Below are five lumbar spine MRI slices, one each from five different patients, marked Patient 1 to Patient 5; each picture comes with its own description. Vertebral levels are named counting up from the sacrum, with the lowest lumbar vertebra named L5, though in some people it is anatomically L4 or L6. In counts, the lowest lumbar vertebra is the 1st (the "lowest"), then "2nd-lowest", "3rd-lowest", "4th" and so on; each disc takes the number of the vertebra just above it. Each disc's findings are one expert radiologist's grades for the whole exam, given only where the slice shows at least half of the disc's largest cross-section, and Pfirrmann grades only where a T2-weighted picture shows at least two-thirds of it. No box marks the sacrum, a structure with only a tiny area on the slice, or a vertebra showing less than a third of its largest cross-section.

Patient 1 of 5:
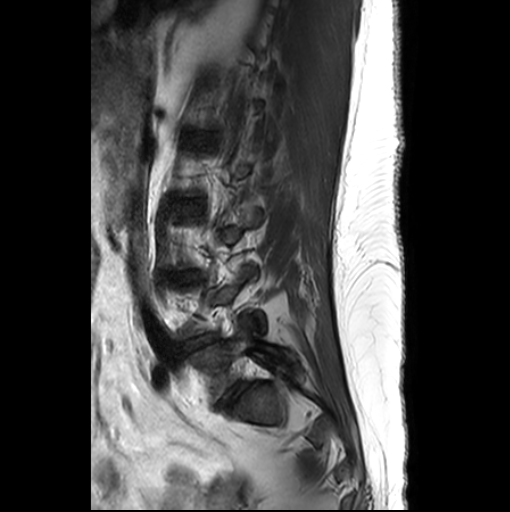 Sex F; T2-weighted sagittal MRI of the lumbar spine
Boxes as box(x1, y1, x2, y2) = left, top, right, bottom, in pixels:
Intervertebral disc L4/L5 at box(189, 334, 215, 348); L5/S1 at box(217, 382, 249, 407); L5 vertebra at box(191, 329, 294, 401).

Patient 2 of 5:
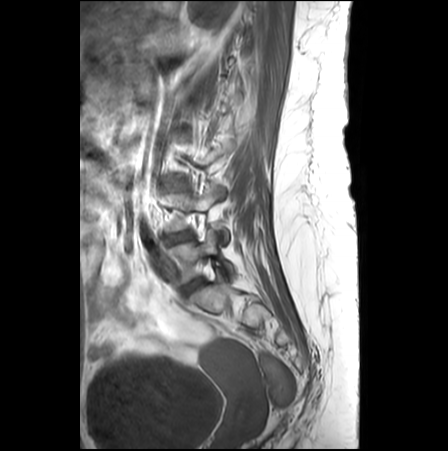
Sex F, Sagittal T1-weighted lumbar spine MRI
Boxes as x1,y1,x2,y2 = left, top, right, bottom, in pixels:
lowest vertebra: 170,229,234,283
2nd-lowest disc: 166,230,191,243
2nd-lowest vertebra: 166,183,228,243
3rd-lowest disc: 166,184,185,189
lowest disc: 182,278,201,295

Patient 3 of 5:
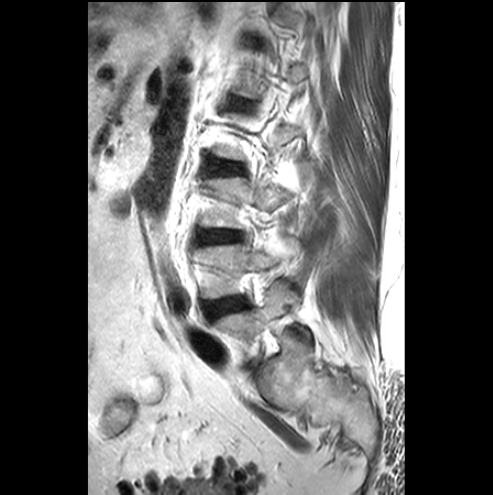 493x495 px; Lumbar spine MR, T2-weighted, sagittal; Slice 21/25

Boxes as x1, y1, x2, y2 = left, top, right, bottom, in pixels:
• disc L2/L3 = 218, 164, 239, 173
• L3 = 200, 177, 288, 227
• disc L4/L5 = 207, 299, 245, 317
• L5 = 216, 281, 309, 361
• L4 vertebra = 199, 241, 297, 298
• disc L3/L4 = 202, 231, 239, 242

Patient 4 of 5:
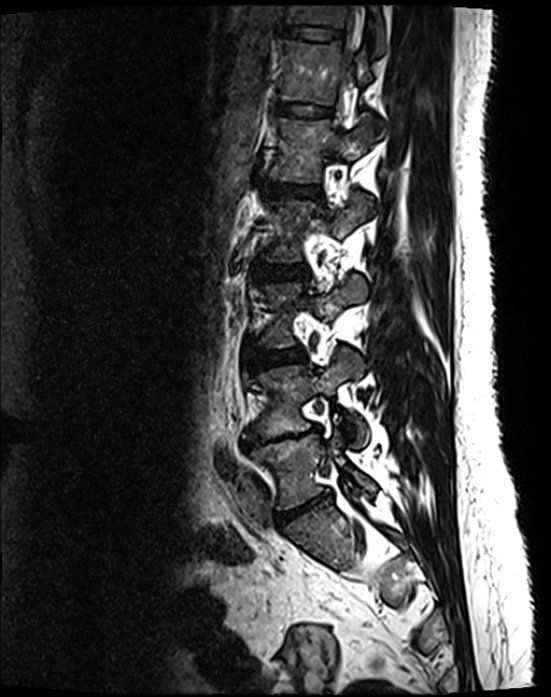

Patient sex: F; T2 SPACE (3D) sagittal MRI of the lumbar spine; Slice 87 of 130
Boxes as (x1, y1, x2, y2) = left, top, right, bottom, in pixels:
Segmented structures:
* L1/L2: (261, 180, 319, 196)
* disc L3/L4: (249, 349, 306, 369)
* T12 vertebra: (277, 38, 381, 124)
* L2 vertebra: (258, 193, 368, 261)
* L4/L5: (242, 426, 320, 448)
* disc L2/L3: (251, 264, 308, 279)
* L5/S1: (276, 495, 328, 527)
* spinal canal: (348, 43, 354, 80)
* L5 vertebra: (250, 429, 376, 509)
* L1 vertebra: (267, 116, 373, 210)
* L4 vertebra: (243, 350, 368, 448)
* T11: (284, 5, 384, 54)
* L3: (255, 274, 366, 348)
* disc T12/L1: (274, 102, 332, 116)
* T11/T12: (282, 26, 342, 39)

Radiological gradings:
• L4/L5: Modic type II, disc bulging, lower-endplate change, disc narrowing, upper-endplate change
• T11/T12: Pfirrmann grade 2
• T12/L1: Pfirrmann grade 2
• L2/L3, L1/L2: no Modic or endplate change, herniation, narrowing, bulging or spondylolisthesis recorded

Patient 5 of 5:
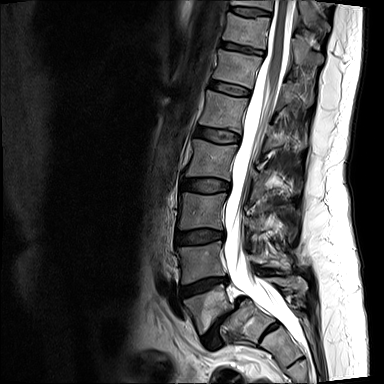

Slice 9/15. MRI lumbar spine (T2-weighted), sagittal plane.
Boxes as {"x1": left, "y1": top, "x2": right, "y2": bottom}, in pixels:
L2 (4th vertebra) = {"x1": 186, "y1": 139, "x2": 265, "y2": 197}.
L1 (5th vertebra) = {"x1": 200, "y1": 90, "x2": 307, "y2": 150}.
T11/T12 (7th disc) = {"x1": 221, "y1": 42, "x2": 264, "y2": 55}.
L5/S1 (lowest disc) = {"x1": 202, "y1": 297, "x2": 245, "y2": 349}.
L1/L2 (5th disc) = {"x1": 196, "y1": 127, "x2": 240, "y2": 142}.
L3/L4 (3rd-lowest disc) = {"x1": 174, "y1": 229, "x2": 224, "y2": 244}.
T10/T11 (8th disc) = {"x1": 231, "y1": 7, "x2": 270, "y2": 16}.
T10 (8th vertebra) = {"x1": 231, "y1": 0, "x2": 329, "y2": 30}.
L5 (lowest vertebra) = {"x1": 183, "y1": 276, "x2": 307, "y2": 334}.
L4 (2nd-lowest vertebra) = {"x1": 177, "y1": 241, "x2": 286, "y2": 284}.
Intervertebral disc L4/L5 (2nd-lowest disc) = {"x1": 180, "y1": 276, "x2": 228, "y2": 297}.
Intervertebral disc T12/L1 (6th disc) = {"x1": 210, "y1": 81, "x2": 250, "y2": 95}.
Spinal canal = {"x1": 224, "y1": 0, "x2": 302, "y2": 342}.
Intervertebral disc L2/L3 (4th disc) = {"x1": 181, "y1": 178, "x2": 229, "y2": 192}.
T11 (7th vertebra) = {"x1": 223, "y1": 12, "x2": 323, "y2": 65}.
L3 (3rd-lowest vertebra) = {"x1": 178, "y1": 192, "x2": 265, "y2": 231}.
T12 (6th vertebra) = {"x1": 213, "y1": 50, "x2": 297, "y2": 105}.

Expert MSK radiologist gradings (per disc):
- L3/L4 (3rd-lowest disc): Pfirrmann grade 2, disc bulging
- L4/L5 (2nd-lowest disc): Pfirrmann grade 4, disc herniation, Modic type II, disc narrowing, lower-endplate change, upper-endplate change
- L1/L2 (5th disc): Pfirrmann grade 2, disc bulging
- T10/T11 (8th disc): Pfirrmann grade 3, upper-endplate change
- L5/S1 (lowest disc): Pfirrmann grade 5, lower-endplate change, Modic type II, disc narrowing, disc bulging, spondylolisthesis, upper-endplate change
- T11/T12 (7th disc): Pfirrmann grade 3, lower-endplate change, disc narrowing
- L2/L3 (4th disc): Pfirrmann grade 2, disc bulging
- T12/L1 (6th disc): Pfirrmann grade 2